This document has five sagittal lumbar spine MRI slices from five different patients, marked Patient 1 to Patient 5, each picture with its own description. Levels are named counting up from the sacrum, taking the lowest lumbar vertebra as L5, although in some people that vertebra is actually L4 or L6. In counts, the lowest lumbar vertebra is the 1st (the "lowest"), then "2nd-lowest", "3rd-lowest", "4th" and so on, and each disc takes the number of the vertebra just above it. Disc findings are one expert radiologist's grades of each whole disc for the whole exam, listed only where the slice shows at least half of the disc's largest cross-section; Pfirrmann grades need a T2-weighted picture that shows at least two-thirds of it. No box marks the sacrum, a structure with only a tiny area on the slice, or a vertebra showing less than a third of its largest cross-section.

Patient 1 of 5:
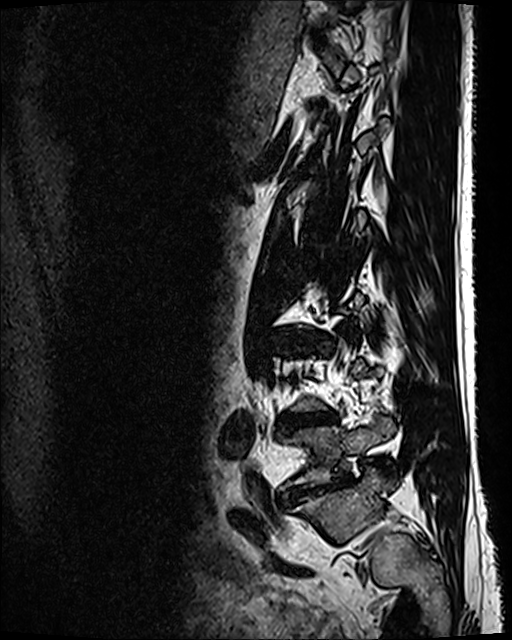 MRI lumbar spine (T2 SPACE (3D)), sagittal plane | Image 512x640

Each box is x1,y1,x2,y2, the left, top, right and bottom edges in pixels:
L5/S1 = 284,479,346,501 | L5 = 281,420,393,490 | intervertebral disc L4/L5 = 287,413,335,427

Patient 2 of 5:
Patient sex: F. T1-weighted sagittal MRI of the lumbar spine.

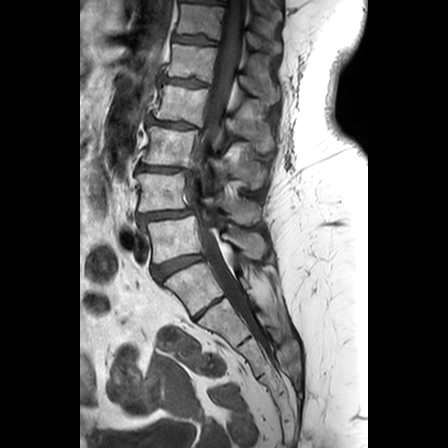 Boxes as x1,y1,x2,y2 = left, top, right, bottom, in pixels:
Annotations:
- 2nd-lowest vertebra — 137,168,261,219
- lowest disc — 152,251,202,277
- thecal sac / spinal canal — 193,0,247,310
- 3rd-lowest vertebra — 142,123,265,185
- 4th vertebra — 152,82,273,148
- 6th vertebra — 175,0,279,48
- 2nd-lowest disc — 138,206,192,220
- 6th disc — 171,32,216,42
- 5th disc — 161,75,208,83
- 4th disc — 147,114,199,125
- lowest vertebra — 147,212,264,261
- 5th vertebra — 166,40,278,98
- 3rd-lowest disc — 138,163,190,170

Per-level radiological findings:
- lowest disc: disc bulging
- 4th disc: lower-endplate change, Modic type II, disc narrowing, disc bulging, upper-endplate change
- 6th disc: lower-endplate change, upper-endplate change, Modic type II
- 5th disc: lower-endplate change, disc bulging, upper-endplate change, Modic type II, disc narrowing
- 2nd-lowest disc: disc narrowing, spondylolisthesis, disc bulging
- 3rd-lowest disc: Modic type II, disc narrowing, disc bulging, upper-endplate change, lower-endplate change

Patient 3 of 5:
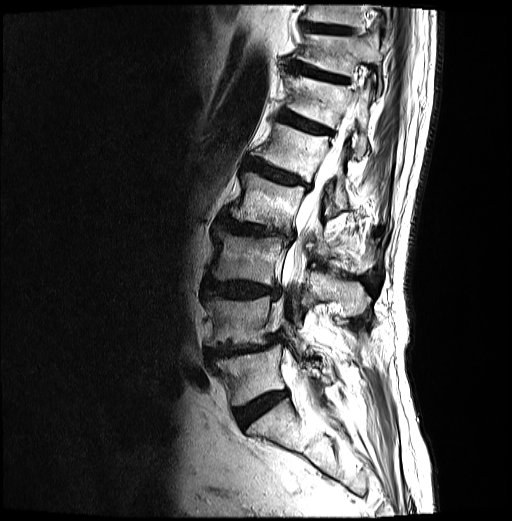 Slice 14 of 30 | Field of view 300x305 mm | Lumbar spine MR, T2-weighted, sagittal

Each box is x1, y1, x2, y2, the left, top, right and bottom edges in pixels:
Annotations:
* L2/L3 (4th disc) = 218, 216, 292, 243
* L3 (3rd-lowest vertebra) = 210, 227, 370, 317
* L5/S1 (lowest disc) = 236, 390, 287, 426
* T12 (6th vertebra) = 283, 72, 369, 158
* T10 (8th vertebra) = 304, 4, 391, 32
* IVD T12/L1 (6th disc) = 280, 111, 331, 134
* L4 (2nd-lowest vertebra) = 206, 297, 306, 352
* L5 (lowest vertebra) = 215, 345, 329, 405
* IVD T10/T11 (8th disc) = 302, 23, 354, 33
* IVD T11/T12 (7th disc) = 287, 62, 348, 83
* IVD L1/L2 (5th disc) = 245, 158, 310, 189
* spinal canal = 276, 104, 358, 395
* L1 (5th vertebra) = 251, 123, 347, 209
* L2 (4th vertebra) = 228, 172, 375, 273
* T11 (7th vertebra) = 293, 30, 382, 91
* L3/L4 (3rd-lowest disc) = 203, 280, 279, 297
* IVD L4/L5 (2nd-lowest disc) = 208, 335, 279, 358

Per-level radiological findings:
  T12/L1 (6th disc): disc bulging, Modic type II, lower-endplate change, upper-endplate change
  L2/L3 (4th disc): Pfirrmann grade 4, Modic type I, upper-endplate change, disc bulging, disc narrowing, lower-endplate change
  T10/T11 (8th disc): Pfirrmann grade 3
  T11/T12 (7th disc): Pfirrmann grade 4, disc bulging, upper-endplate change, lower-endplate change
  L1/L2 (5th disc): Pfirrmann grade 4, disc bulging, upper-endplate change, Modic type II, lower-endplate change
  L3/L4 (3rd-lowest disc): Pfirrmann grade 4, upper-endplate change, disc bulging, lower-endplate change
  L5/S1 (lowest disc): Pfirrmann grade 4

Patient 4 of 5:
MRI lumbar spine (T2-weighted), sagittal plane 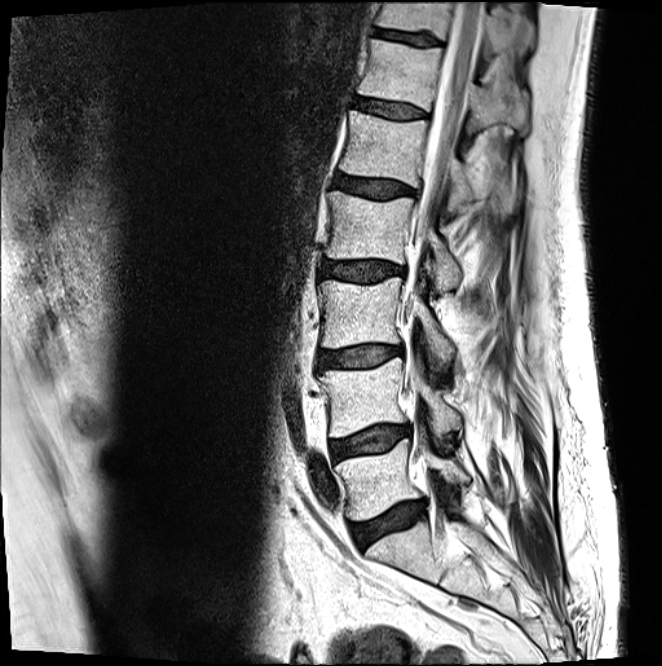

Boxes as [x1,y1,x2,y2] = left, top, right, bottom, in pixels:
L2/L3 — [321,261,405,281].
L1/L2 — [335,174,415,198].
L1 — [339,110,515,212].
Thecal sac / spinal canal — [410,2,483,312].
L5/S1 — [351,501,425,549].
L5 — [335,440,470,521].
IVD L3/L4 — [318,345,403,370].
IVD L4/L5 — [330,425,409,460].
IVD T12/L1 — [354,98,427,118].
T12 — [358,39,528,133].
T11/T12 — [375,29,441,45].
L2 vertebra — [325,191,463,292].
L3 — [319,277,454,370].
T11 vertebra — [376,2,534,54].
L4 — [319,357,462,437].

Degenerative findings by level:
  L3/L4: Pfirrmann grade 2, disc bulging, Modic type II
  T11/T12: Pfirrmann grade 3
  T12/L1: Pfirrmann grade 2
  L5/S1: Pfirrmann grade 3, Modic type II, disc bulging, disc narrowing
  L1/L2: Pfirrmann grade 3, disc bulging
  L4/L5: Pfirrmann grade 2, disc bulging, Modic type II
  L2/L3: Pfirrmann grade 3, disc bulging

Patient 5 of 5:
Lumbar spine MR, T1-weighted, sagittal | Slice 10 of 24 | Slice spacing 3.3 mm 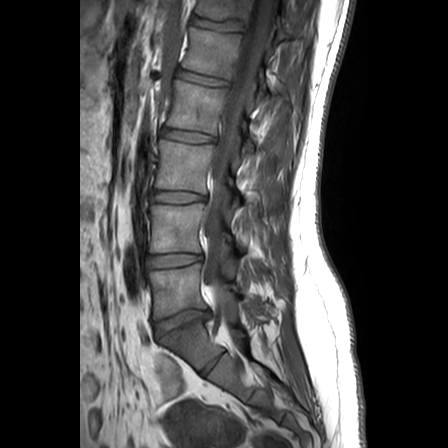

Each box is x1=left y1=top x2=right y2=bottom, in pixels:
L1 — x1=182 y1=27 x2=266 y2=90.
L4 — x1=150 y1=203 x2=230 y2=252.
T12 vertebra — x1=196 y1=0 x2=286 y2=39.
L1/L2 — x1=176 y1=69 x2=229 y2=85.
Thecal sac / spinal canal — x1=204 y1=0 x2=276 y2=321.
L3 vertebra — x1=155 y1=140 x2=233 y2=193.
L4/L5 — x1=148 y1=254 x2=201 y2=267.
L2 vertebra — x1=164 y1=77 x2=246 y2=134.
Intervertebral disc L2/L3 — x1=161 y1=128 x2=214 y2=142.
Intervertebral disc L3/L4 — x1=151 y1=191 x2=205 y2=202.
L5/S1 — x1=154 y1=310 x2=209 y2=336.
T12/L1 — x1=192 y1=16 x2=234 y2=30.
L5 — x1=149 y1=263 x2=236 y2=319.

Expert MSK radiologist gradings (per disc):
  L5/S1: lower-endplate change, upper-endplate change, Modic type II, disc herniation
  T12/L1, L3/L4, L4/L5, L1/L2, L2/L3: no Modic or endplate change, herniation, narrowing, bulging or spondylolisthesis recorded